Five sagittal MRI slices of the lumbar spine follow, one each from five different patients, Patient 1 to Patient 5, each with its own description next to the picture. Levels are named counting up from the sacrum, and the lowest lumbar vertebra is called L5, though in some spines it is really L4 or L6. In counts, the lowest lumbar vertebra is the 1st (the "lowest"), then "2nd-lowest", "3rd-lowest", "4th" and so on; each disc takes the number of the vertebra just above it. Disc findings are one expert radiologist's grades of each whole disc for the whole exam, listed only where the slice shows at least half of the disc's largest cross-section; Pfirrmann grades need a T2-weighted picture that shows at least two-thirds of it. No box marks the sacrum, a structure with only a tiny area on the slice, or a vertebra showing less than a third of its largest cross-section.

Patient 1 of 5:
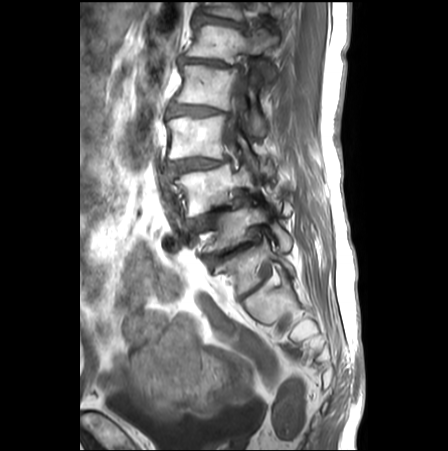 Sagittal T1-weighted lumbar spine MRI | Field of view 280x282 mm | 448x451 px

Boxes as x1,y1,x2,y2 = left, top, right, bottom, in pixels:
5th disc at 179,57,239,69.
Lowest vertebra at 199,204,291,252.
2nd-lowest disc at 188,194,248,230.
Lowest disc at 204,237,259,267.
4th vertebra at 174,64,266,136.
3rd-lowest disc at 168,158,228,172.
5th vertebra at 187,25,278,80.
Spinal canal at 222,75,248,147.
2nd-lowest vertebra at 175,164,266,216.
4th disc at 168,104,230,117.
6th disc at 194,12,243,29.
3rd-lowest vertebra at 167,114,254,163.

Degenerative findings by level:
- 2nd-lowest disc: spondylolisthesis, disc herniation, lower-endplate change, upper-endplate change, Modic type II, disc bulging, disc narrowing
- lowest disc: disc bulging, upper-endplate change, disc narrowing, disc herniation, lower-endplate change, Modic type II
- 6th disc: lower-endplate change, disc bulging, upper-endplate change
- 3rd-lowest disc: disc bulging, spondylolisthesis, Modic type II, upper-endplate change, disc narrowing, lower-endplate change
- 4th disc: disc narrowing, upper-endplate change, disc bulging, Modic type II, spondylolisthesis, lower-endplate change
- 5th disc: disc bulging, disc narrowing, lower-endplate change

Patient 2 of 5:
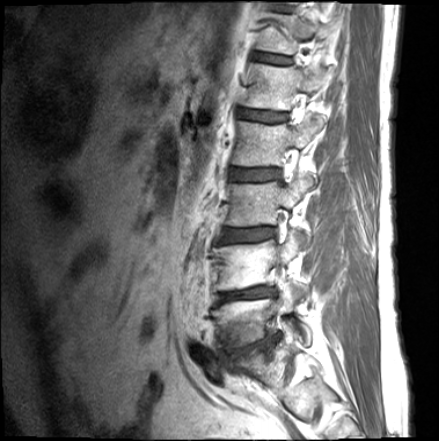 Image 439x441; Lumbar spine MR, T1-weighted, sagittal; Sex M; Slice 13 of 16

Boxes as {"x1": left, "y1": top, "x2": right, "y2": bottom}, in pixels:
disc L1/L2: {"x1": 239, "y1": 109, "x2": 286, "y2": 123}
L5: {"x1": 212, "y1": 285, "x2": 311, "y2": 350}
disc L3/L4: {"x1": 219, "y1": 227, "x2": 275, "y2": 243}
T12: {"x1": 257, "y1": 13, "x2": 330, "y2": 54}
disc L5/S1: {"x1": 231, "y1": 335, "x2": 279, "y2": 358}
L3: {"x1": 225, "y1": 177, "x2": 312, "y2": 243}
L1 vertebra: {"x1": 242, "y1": 64, "x2": 328, "y2": 110}
disc L2/L3: {"x1": 231, "y1": 168, "x2": 279, "y2": 180}
disc T12/L1: {"x1": 255, "y1": 53, "x2": 291, "y2": 63}
disc L4/L5: {"x1": 215, "y1": 286, "x2": 276, "y2": 304}
L2: {"x1": 232, "y1": 117, "x2": 323, "y2": 166}
L4: {"x1": 213, "y1": 232, "x2": 309, "y2": 299}

Expert MSK radiologist gradings (per disc):
• L4/L5: upper-endplate change, Modic type II, lower-endplate change, disc bulging, disc narrowing
• L1/L2: upper-endplate change, lower-endplate change
• L3/L4: lower-endplate change, upper-endplate change, disc bulging
• L5/S1: lower-endplate change, upper-endplate change, disc narrowing, disc bulging, Modic type II
• L2/L3: upper-endplate change, lower-endplate change
• T12/L1: lower-endplate change, upper-endplate change

Patient 3 of 5:
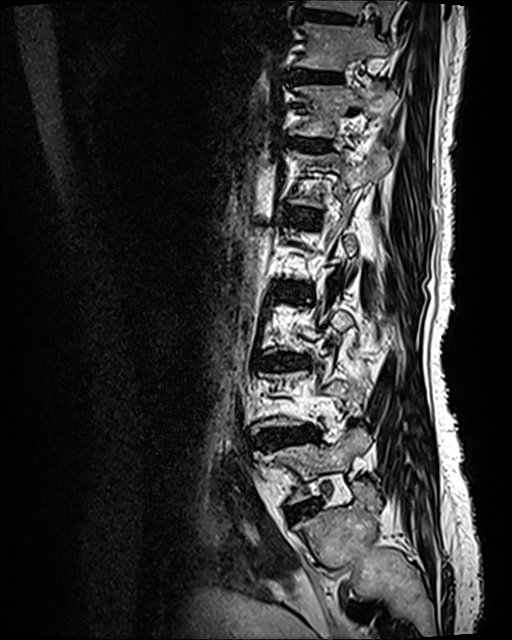

Sagittal T2 SPACE (3D) lumbar spine MRI. Field of view 240x300 mm. 512x640 px. Slice 87 of 120.
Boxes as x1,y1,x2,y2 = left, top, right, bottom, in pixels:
T10 vertebra = 303,0,396,29.
T11 = 295,22,391,70.
T12/L1 = 290,138,330,151.
IVD T10/T11 = 299,11,350,21.
L5 vertebra = 260,424,370,504.
L2/L3 = 280,286,311,299.
T12 = 290,83,395,137.
IVD T11/T12 = 292,70,339,80.
L4/L5 = 257,427,315,447.
IVD L1/L2 = 282,207,318,225.
L5/S1 = 294,508,309,518.
L3/L4 = 260,355,304,369.

Degenerative findings by level:
• T10/T11: Pfirrmann grade 2, lower-endplate change, upper-endplate change
• T11/T12: Modic type II, upper-endplate change, lower-endplate change
• L4/L5: Modic type II, disc bulging, disc narrowing, upper-endplate change, lower-endplate change

Patient 4 of 5:
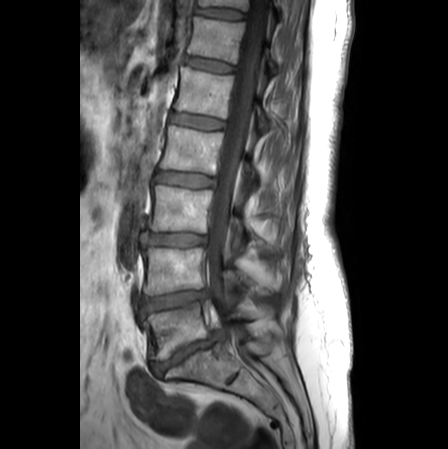 MRI lumbar spine (T1-weighted), sagittal plane. Slice 14/24.

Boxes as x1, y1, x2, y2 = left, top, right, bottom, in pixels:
L2 vertebra: 160, 126, 256, 178
intervertebral disc L1/L2: 171, 113, 224, 129
L3 vertebra: 147, 185, 273, 248
spinal canal: 206, 0, 266, 349
T11: 198, 0, 281, 10
L1 vertebra: 174, 68, 270, 126
L3/L4: 144, 233, 205, 246
T12/L1: 185, 56, 234, 72
intervertebral disc T11/T12: 194, 7, 245, 19
L5: 145, 301, 275, 360
L2/L3: 155, 172, 215, 186
L4: 143, 248, 275, 295
L4/L5: 145, 291, 205, 313
T12 vertebra: 187, 17, 279, 73
intervertebral disc L5/S1: 151, 332, 222, 375

Expert MSK radiologist gradings (per disc):
- L5/S1: disc herniation, Modic type II, lower-endplate change, disc narrowing, upper-endplate change
- L3/L4: disc bulging
- L2/L3: disc bulging
- L4/L5: disc narrowing, disc bulging
- L1/L2, T12/L1, T11/T12: no spondylolisthesis, narrowing, bulging, herniation, Modic or endplate change recorded

Patient 5 of 5:
Philips Healthcare Ingenia (3T) | Image 448x452 | Lumbar spine MR, T1-weighted, sagittal | Sagittal slice index 7
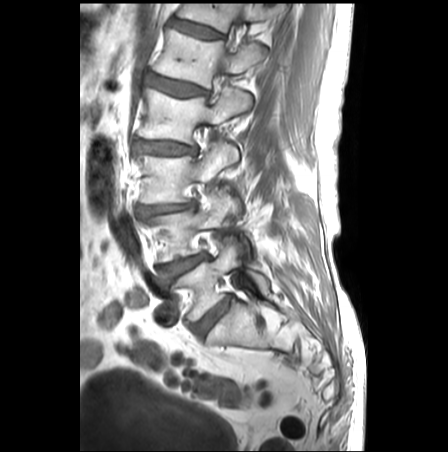
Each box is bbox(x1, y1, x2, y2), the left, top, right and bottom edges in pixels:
L5 vertebra: bbox(176, 239, 269, 319).
T12 vertebra: bbox(178, 4, 276, 32).
L3: bbox(139, 142, 238, 203).
L1: bbox(156, 30, 264, 88).
Thecal sac / spinal canal: bbox(218, 19, 238, 65).
IVD T12/L1: bbox(169, 18, 221, 38).
L5/S1: bbox(197, 296, 230, 334).
IVD L2/L3: bbox(134, 141, 197, 155).
L4/L5: bbox(160, 255, 205, 282).
L3/L4: bbox(139, 203, 193, 217).
L1/L2: bbox(145, 73, 206, 96).
L4 vertebra: bbox(149, 197, 247, 261).
L2 vertebra: bbox(139, 89, 251, 143).

Degenerative findings by level:
• L3/L4: disc narrowing, disc bulging
• L1/L2: disc bulging, Modic type II, lower-endplate change, upper-endplate change
• L4/L5: disc bulging
• L2/L3: disc bulging
• T12/L1: no herniation, bulging, narrowing, spondylolisthesis, endplate or Modic change recorded